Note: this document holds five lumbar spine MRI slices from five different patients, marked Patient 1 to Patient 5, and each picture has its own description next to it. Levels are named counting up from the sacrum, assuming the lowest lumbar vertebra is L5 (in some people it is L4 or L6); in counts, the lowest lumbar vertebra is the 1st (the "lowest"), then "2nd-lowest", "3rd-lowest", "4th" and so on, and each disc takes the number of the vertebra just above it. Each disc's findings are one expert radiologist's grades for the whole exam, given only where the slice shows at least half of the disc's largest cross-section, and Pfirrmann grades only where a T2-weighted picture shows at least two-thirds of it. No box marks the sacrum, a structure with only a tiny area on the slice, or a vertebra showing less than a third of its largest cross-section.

Patient 1 of 5:
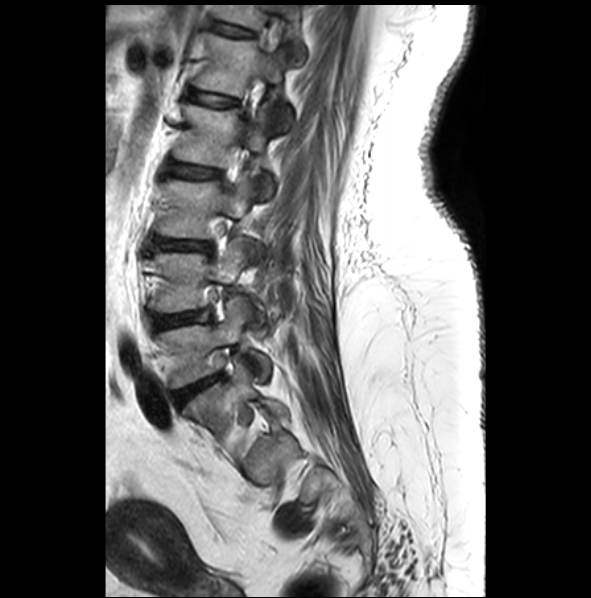
Sex F; Slice 19 of 28; Lumbar spine MR, T2-weighted, sagittal; Image 591x598

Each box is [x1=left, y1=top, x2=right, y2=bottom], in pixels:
3rd-lowest vertebra — [x1=157, y1=173, x2=263, y2=261].
3rd-lowest disc — [x1=154, y1=239, x2=210, y2=250].
5th vertebra — [x1=193, y1=32, x2=292, y2=131].
6th disc — [x1=211, y1=21, x2=254, y2=36].
4th disc — [x1=168, y1=161, x2=219, y2=178].
2nd-lowest disc — [x1=152, y1=308, x2=213, y2=330].
4th vertebra — [x1=173, y1=103, x2=274, y2=199].
Lowest disc — [x1=174, y1=372, x2=225, y2=404].
Lowest vertebra — [x1=157, y1=296, x2=271, y2=388].
5th disc — [x1=187, y1=88, x2=237, y2=107].
6th vertebra — [x1=214, y1=5, x2=305, y2=58].
2nd-lowest vertebra — [x1=149, y1=237, x2=266, y2=316].

Degenerative findings by level:
- 6th disc: Pfirrmann grade 2
- 4th disc: Pfirrmann grade 2
- 3rd-lowest disc: Pfirrmann grade 3, upper-endplate change, Modic type II, disc bulging, disc narrowing, lower-endplate change
- 5th disc: Pfirrmann grade 2
- 2nd-lowest disc: Pfirrmann grade 3, disc bulging

Patient 2 of 5:
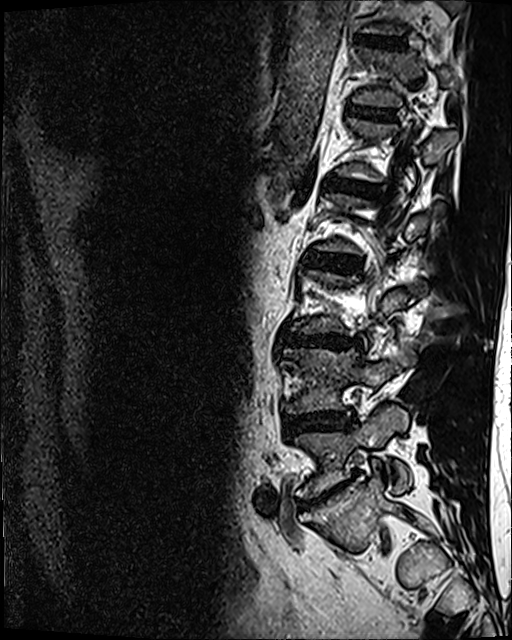 Lumbar spine MR, T2 SPACE (3D), sagittal | Patient sex: M | Field of view 240x300 mm, slice spacing 0.9 mm

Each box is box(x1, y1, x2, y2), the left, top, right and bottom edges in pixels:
T11/T12: box(355, 34, 403, 49).
L4: box(285, 348, 394, 413).
Intervertebral disc L3/L4: box(286, 334, 358, 348).
L2/L3: box(309, 255, 360, 271).
L5 vertebra: box(295, 406, 409, 497).
L5/S1: box(300, 484, 345, 506).
Intervertebral disc L4/L5: box(286, 411, 354, 432).
Intervertebral disc T12/L1: box(351, 107, 393, 119).
Intervertebral disc L1/L2: box(327, 177, 378, 196).
T12 vertebra: box(352, 48, 451, 106).

Per-level radiological findings:
- L2/L3: disc bulging
- L3/L4: Pfirrmann grade 4, disc bulging, lower-endplate change, disc narrowing
- L4/L5: disc narrowing, disc bulging
- T11/T12, L1/L2: no spondylolisthesis, narrowing, bulging, herniation, Modic or endplate change recorded

Patient 3 of 5:
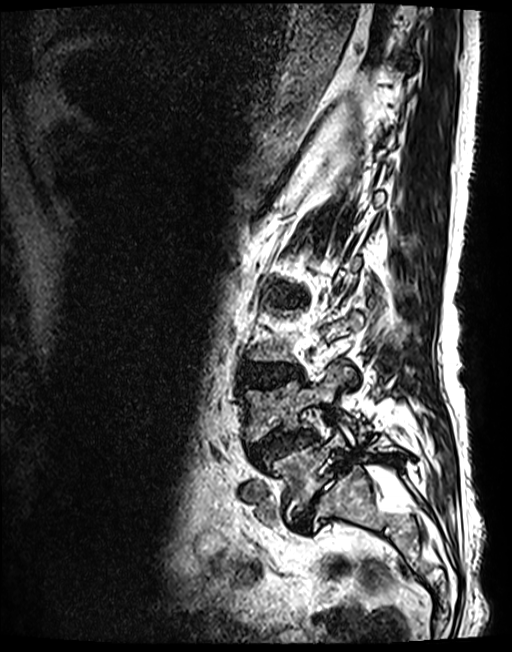 Slice 96/143. Lumbar spine MR, T2 SPACE (3D), sagittal.

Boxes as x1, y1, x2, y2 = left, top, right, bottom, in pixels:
Segmented structures:
• 2nd-lowest vertebra at 245, 368, 369, 441
• 3rd-lowest disc at 241, 364, 300, 388
• lowest vertebra at 266, 430, 410, 521
• 2nd-lowest disc at 249, 430, 314, 463
• 4th disc at 282, 291, 299, 302
• lowest disc at 292, 467, 346, 532

Expert MSK radiologist gradings (per disc):
  2nd-lowest disc: upper-endplate change, disc herniation, spondylolisthesis, disc narrowing, lower-endplate change
  3rd-lowest disc: lower-endplate change, disc bulging, upper-endplate change
  lowest disc: disc herniation, spondylolisthesis, Modic type II, disc narrowing

Patient 4 of 5:
Image 618x793 | Sagittal slice index 63 | Sagittal T2 SPACE (3D) lumbar spine MRI 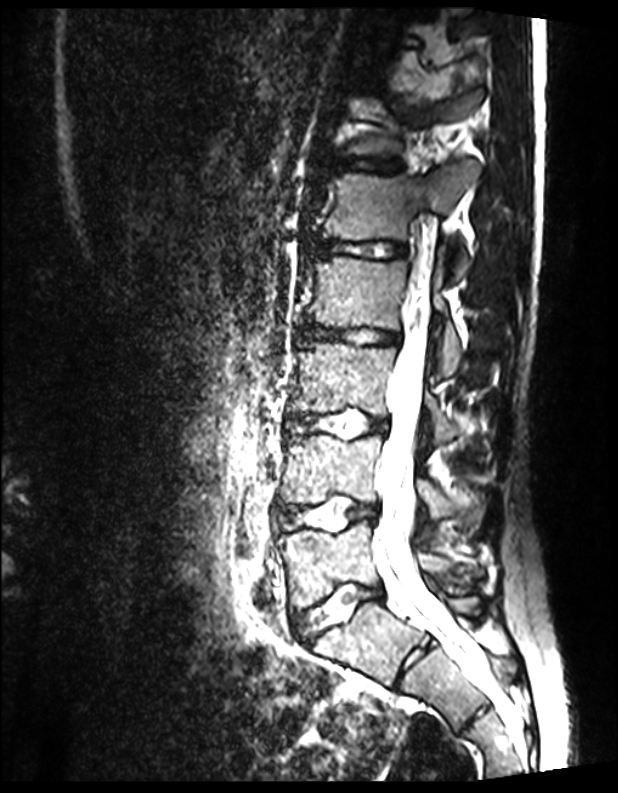

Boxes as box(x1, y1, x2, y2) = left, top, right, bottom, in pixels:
Disc L4/L5 at box(277, 498, 376, 530).
Thecal sac / spinal canal at box(372, 237, 486, 689).
Disc T12/L1 at box(334, 157, 402, 172).
L4 at box(281, 435, 484, 530).
L3/L4 at box(288, 410, 387, 438).
Disc L5/S1 at box(293, 583, 382, 643).
L5 at box(277, 522, 474, 609).
L3 vertebra at box(290, 342, 456, 442).
T12 vertebra at box(346, 94, 476, 155).
L1/L2 at box(311, 237, 405, 258).
L2 at box(309, 257, 462, 375).
L1 vertebra at box(324, 162, 479, 277).
L2/L3 at box(295, 324, 399, 345).

Radiological gradings:
- L3/L4: Pfirrmann grade 1
- L1/L2: Pfirrmann grade 1
- L5/S1: Pfirrmann grade 1
- L2/L3: Pfirrmann grade 1
- T12/L1: Pfirrmann grade 1
- L4/L5: Pfirrmann grade 1

Patient 5 of 5:
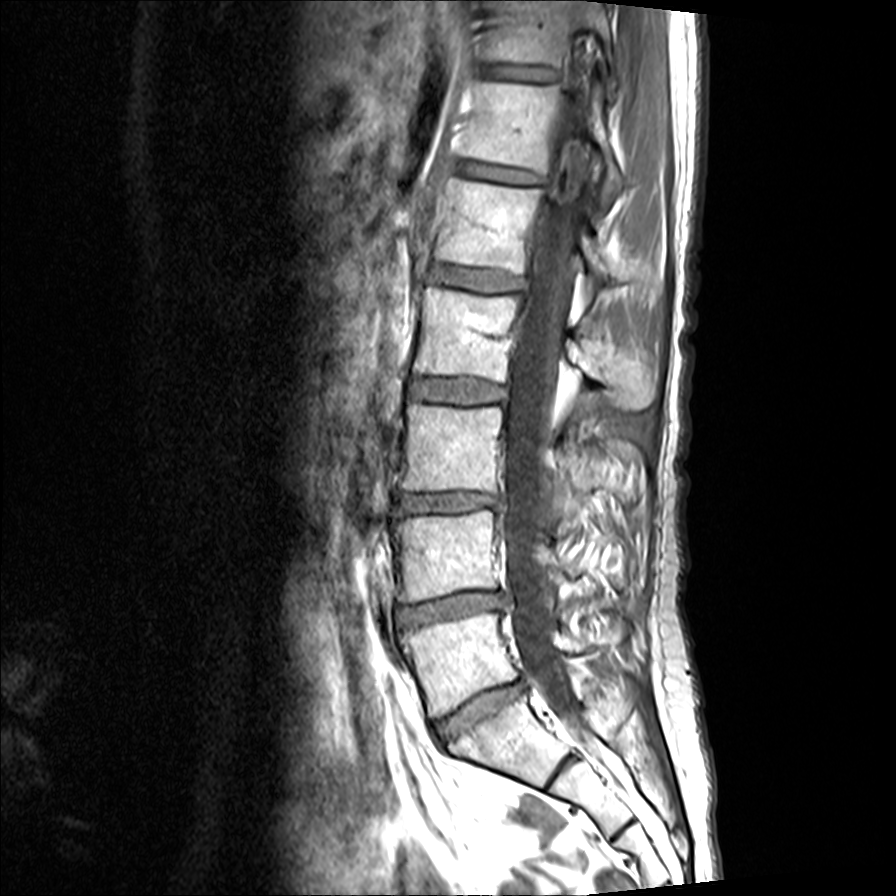 Sex F | 896x896 px | MRI lumbar spine (T1-weighted), sagittal plane
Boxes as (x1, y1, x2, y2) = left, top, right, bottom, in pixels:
7th vertebra — (484, 0, 614, 65).
Thecal sac / spinal canal — (503, 125, 622, 782).
Lowest disc — (434, 677, 527, 746).
6th disc — (457, 160, 539, 184).
3rd-lowest disc — (396, 493, 502, 513).
4th disc — (411, 377, 506, 403).
2nd-lowest disc — (396, 591, 508, 626).
7th disc — (482, 62, 560, 84).
5th vertebra — (436, 175, 616, 280).
3rd-lowest vertebra — (403, 402, 643, 500).
Lowest vertebra — (400, 612, 625, 717).
5th disc — (428, 264, 525, 290).
2nd-lowest vertebra — (394, 510, 626, 601).
4th vertebra — (415, 285, 660, 409).
6th vertebra — (459, 81, 624, 198).

Radiological gradings:
- 4th disc: Modic type II
- 2nd-lowest disc: disc bulging, disc narrowing
- 3rd-lowest disc: disc bulging, disc narrowing
- lowest disc: disc bulging, disc narrowing
- 7th disc, 6th disc, 5th disc: no Modic or endplate change, herniation, narrowing, bulging or spondylolisthesis recorded